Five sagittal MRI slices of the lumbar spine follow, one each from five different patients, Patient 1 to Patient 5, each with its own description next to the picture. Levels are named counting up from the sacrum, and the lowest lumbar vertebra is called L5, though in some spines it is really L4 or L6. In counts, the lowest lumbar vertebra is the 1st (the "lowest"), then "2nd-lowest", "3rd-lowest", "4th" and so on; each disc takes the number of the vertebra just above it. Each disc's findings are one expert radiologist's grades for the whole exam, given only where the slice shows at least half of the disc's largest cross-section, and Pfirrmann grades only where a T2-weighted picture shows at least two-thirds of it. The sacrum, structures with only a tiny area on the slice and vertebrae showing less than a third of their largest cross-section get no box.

Patient 1 of 5:
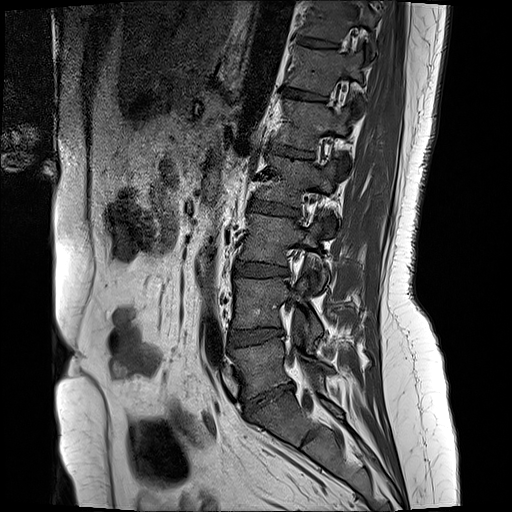 Patient sex: F, 512x512 px, T1-weighted sagittal MRI of the lumbar spine
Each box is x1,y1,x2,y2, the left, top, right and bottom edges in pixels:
Disc L4/L5 at 229,329,283,346; L2/L3 at 248,202,301,218; L1 vertebra at 275,99,352,168; T11/T12 at 296,39,338,51; disc L3/L4 at 234,264,289,278; L3 vertebra at 239,214,328,291; L5 vertebra at 233,341,332,398; T12 vertebra at 288,47,365,114; L4 vertebra at 234,279,322,341; disc L5/S1 at 244,386,293,415; T11 at 302,2,374,56; disc T12/L1 at 282,90,327,103; L2 at 255,157,333,233; disc L1/L2 at 268,145,313,158.

Per-level radiological findings:
  T12/L1: upper-endplate change, lower-endplate change
  L1/L2: upper-endplate change, lower-endplate change
  L2/L3: upper-endplate change, lower-endplate change, disc bulging
  L5/S1: disc herniation, disc narrowing, disc bulging
  L4/L5: disc bulging
  L3/L4: disc bulging
  T11/T12: no spondylolisthesis, narrowing, bulging, herniation, Modic or endplate change recorded

Patient 2 of 5:
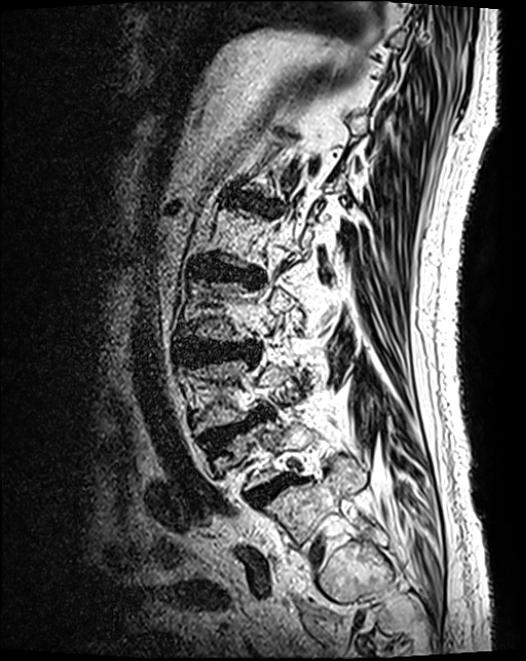 Lumbar spine MR, T2 SPACE (3D), sagittal. Patient sex: M.
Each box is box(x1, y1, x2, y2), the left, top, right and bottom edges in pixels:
2nd-lowest disc at box(209, 414, 259, 441); lowest vertebra at box(233, 421, 313, 490); lowest disc at box(250, 477, 291, 505); 3rd-lowest disc at box(182, 343, 245, 362); 4th disc at box(200, 264, 258, 279); 2nd-lowest vertebra at box(190, 362, 288, 430); 5th disc at box(246, 198, 261, 203).

Patient 3 of 5:
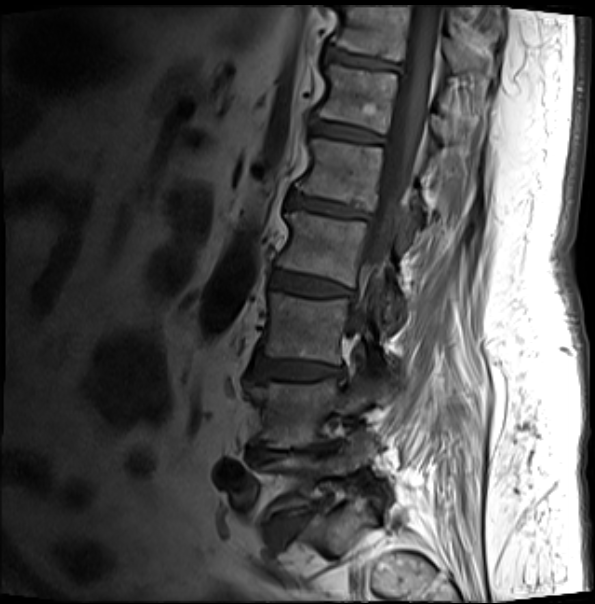

MRI lumbar spine (T1-weighted), sagittal plane | Slice spacing 4.9 mm | Sex M | Image 595x604

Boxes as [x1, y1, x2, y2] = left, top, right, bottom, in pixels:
Segmented structures:
• IVD T12/L1 = [311, 121, 384, 143]
• IVD L4/L5 = [249, 442, 338, 460]
• IVD L2/L3 = [272, 270, 351, 296]
• T11 = [331, 6, 473, 74]
• L5 = [257, 445, 369, 514]
• L3 = [260, 293, 380, 371]
• L2 vertebra = [277, 210, 403, 324]
• T12 vertebra = [316, 63, 453, 140]
• IVD T11/T12 = [326, 48, 399, 70]
• IVD L1/L2 = [288, 193, 369, 219]
• L5/S1 = [272, 503, 323, 544]
• IVD L3/L4 = [251, 358, 343, 380]
• L4 = [249, 378, 369, 449]
• L1 = [296, 139, 423, 226]
• thecal sac / spinal canal = [344, 6, 438, 386]

Per-level radiological findings:
• L2/L3: Modic type II, upper-endplate change, lower-endplate change, disc bulging
• T12/L1: upper-endplate change, Modic type II, lower-endplate change
• L3/L4: Modic type II, disc narrowing, upper-endplate change, disc bulging, lower-endplate change
• L4/L5: disc bulging, Modic type II, disc narrowing, upper-endplate change, lower-endplate change
• L1/L2: disc bulging, Modic type II, lower-endplate change, upper-endplate change
• T11/T12: disc bulging, lower-endplate change, upper-endplate change, Modic type II

Patient 4 of 5:
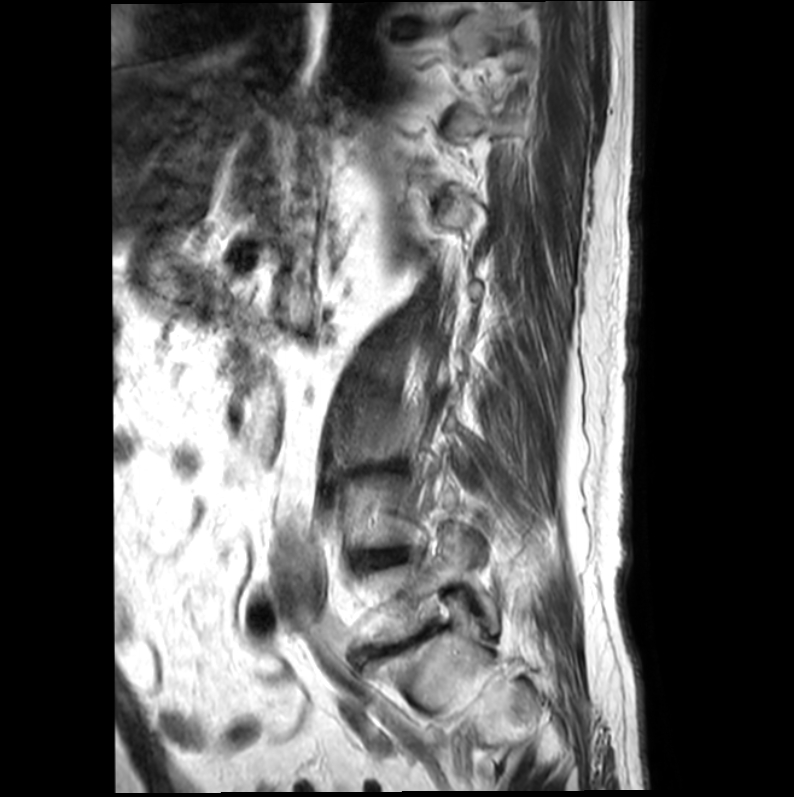

Field of view 308x309 mm, slice spacing 4.4 mm, Patient sex: M, Image 794x797, MRI lumbar spine (T2-weighted), sagittal plane
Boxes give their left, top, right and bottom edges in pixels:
L5: left=368, top=539, right=497, bottom=642.
L4/L5: left=374, top=554, right=394, bottom=564.

Patient 5 of 5:
Sex F; Lumbar spine MR, T1-weighted, sagittal
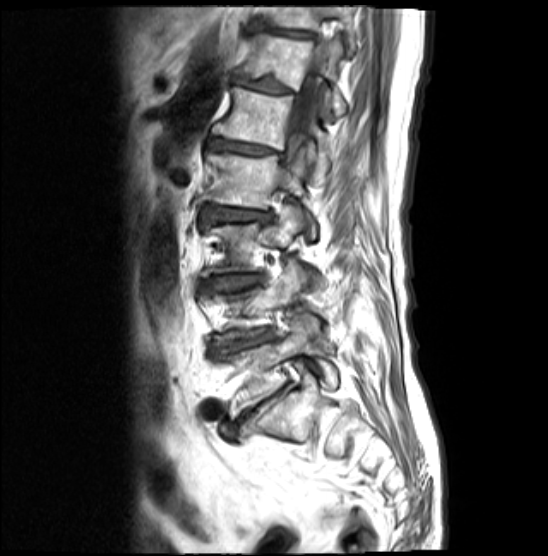 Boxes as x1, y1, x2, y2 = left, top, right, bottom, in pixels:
Lowest vertebra at 230, 312, 337, 410; 3rd-lowest vertebra at 200, 206, 325, 287; 6th vertebra at 238, 34, 347, 117; 7th disc at 252, 24, 318, 39; spinal canal at 286, 67, 325, 171; 7th vertebra at 264, 7, 354, 42; 2nd-lowest vertebra at 200, 260, 306, 343; 4th vertebra at 206, 153, 316, 239; 2nd-lowest disc at 212, 331, 275, 357; lowest disc at 245, 390, 283, 415; 5th disc at 209, 139, 285, 160; 6th disc at 233, 79, 301, 98; 4th disc at 202, 206, 271, 223; 5th vertebra at 212, 88, 331, 183; 3rd-lowest disc at 200, 274, 263, 293.

Degenerative findings by level:
• 6th disc: disc narrowing, disc bulging, upper-endplate change, Modic type II, lower-endplate change
• 2nd-lowest disc: lower-endplate change, upper-endplate change, disc narrowing, Modic type II, disc bulging
• 4th disc: disc narrowing, upper-endplate change, lower-endplate change, Modic type II, disc bulging
• 7th disc: disc narrowing, Modic type II, disc bulging, upper-endplate change, lower-endplate change
• 3rd-lowest disc: lower-endplate change, disc bulging, upper-endplate change, Modic type II
• 5th disc: Modic type II, disc bulging, disc narrowing, upper-endplate change, lower-endplate change